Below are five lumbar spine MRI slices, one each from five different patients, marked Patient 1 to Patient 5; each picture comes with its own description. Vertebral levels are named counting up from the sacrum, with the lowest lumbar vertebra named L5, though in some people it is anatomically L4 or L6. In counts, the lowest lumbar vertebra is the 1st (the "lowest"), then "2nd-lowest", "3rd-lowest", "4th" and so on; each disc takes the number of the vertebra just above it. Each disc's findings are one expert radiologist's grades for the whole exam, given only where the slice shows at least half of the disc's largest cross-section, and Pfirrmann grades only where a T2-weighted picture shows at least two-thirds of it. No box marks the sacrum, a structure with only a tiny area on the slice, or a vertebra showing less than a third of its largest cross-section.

Patient 1 of 5:
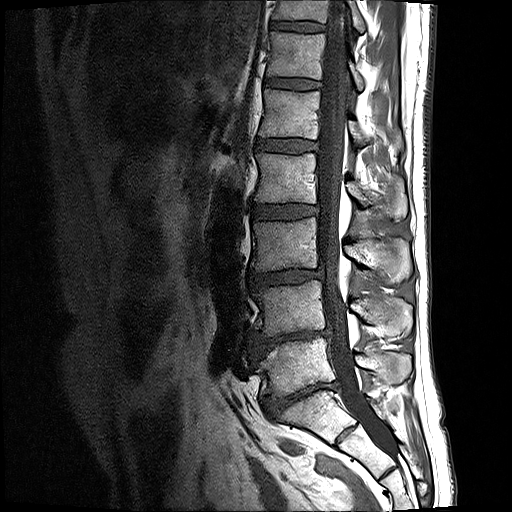
Lumbar spine MR, T1-weighted, sagittal, Slice 9/17, Sex M
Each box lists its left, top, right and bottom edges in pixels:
L2 (4th vertebra): left=255, top=152, right=407, bottom=221.
IVD L1/L2 (5th disc): left=257, top=139, right=316, bottom=152.
L1 (5th vertebra): left=259, top=89, right=400, bottom=146.
IVD L4/L5 (2nd-lowest disc): left=253, top=328, right=330, bottom=359.
IVD L5/S1 (lowest disc): left=261, top=381, right=337, bottom=418.
Spinal canal: left=317, top=0, right=394, bottom=455.
T12 (6th vertebra): left=267, top=32, right=363, bottom=90.
IVD T11/T12 (7th disc): left=271, top=21, right=324, bottom=31.
T12/L1 (6th disc): left=265, top=78, right=319, bottom=89.
T11 (7th vertebra): left=273, top=0, right=364, bottom=32.
IVD L3/L4 (3rd-lowest disc): left=248, top=269, right=323, bottom=286.
IVD L2/L3 (4th disc): left=252, top=204, right=317, bottom=219.
L3 (3rd-lowest vertebra): left=250, top=217, right=412, bottom=284.
L5 (lowest vertebra): left=258, top=336, right=411, bottom=396.
L4 (2nd-lowest vertebra): left=252, top=279, right=412, bottom=337.

Radiological gradings:
• L3/L4 (3rd-lowest disc): disc narrowing, disc bulging
• L4/L5 (2nd-lowest disc): lower-endplate change, Modic type II, disc bulging, disc narrowing
• L5/S1 (lowest disc): disc bulging, spondylolisthesis, lower-endplate change, disc narrowing
• L1/L2 (5th disc), T12/L1 (6th disc), L2/L3 (4th disc), T11/T12 (7th disc): no Modic or endplate change, herniation, narrowing, bulging or spondylolisthesis recorded

Patient 2 of 5:
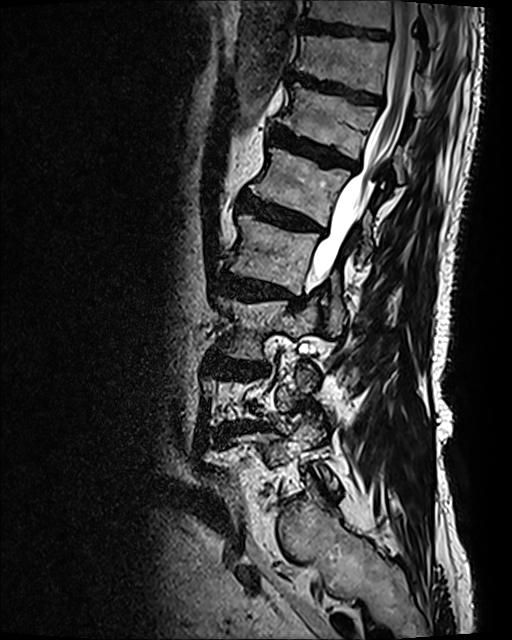 Image 512x640, Lumbar spine MR, T2 SPACE (3D), sagittal, Sagittal slice index 89
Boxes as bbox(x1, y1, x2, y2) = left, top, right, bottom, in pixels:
Structures:
• 3rd-lowest disc: bbox(214, 355, 267, 373)
• 6th disc: bbox(270, 126, 358, 169)
• 3rd-lowest vertebra: bbox(216, 297, 316, 357)
• 8th vertebra: bbox(304, 0, 438, 44)
• 7th disc: bbox(289, 71, 381, 104)
• 7th vertebra: bbox(296, 36, 427, 114)
• 2nd-lowest disc: bbox(226, 422, 260, 429)
• 5th disc: bbox(238, 196, 321, 232)
• 4th vertebra: bbox(228, 214, 345, 334)
• 4th disc: bbox(216, 272, 304, 307)
• 5th vertebra: bbox(252, 148, 373, 265)
• thecal sac / spinal canal: bbox(310, 1, 416, 282)
• 6th vertebra: bbox(276, 83, 405, 182)
• 8th disc: bbox(300, 22, 390, 39)

Radiological gradings:
• 6th disc: Pfirrmann grade 4, disc bulging, Modic type II, lower-endplate change, upper-endplate change
• 4th disc: Pfirrmann grade 4, disc bulging, lower-endplate change, upper-endplate change, disc narrowing, Modic type I
• 8th disc: Pfirrmann grade 3
• 5th disc: Pfirrmann grade 4, disc bulging, upper-endplate change, Modic type II, lower-endplate change
• 7th disc: Pfirrmann grade 4, disc bulging, upper-endplate change, lower-endplate change

Patient 3 of 5:
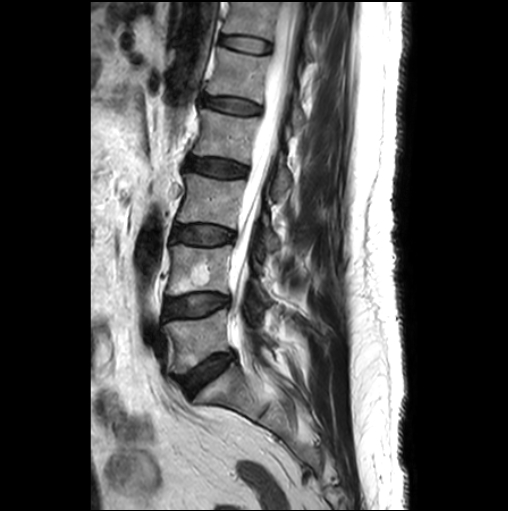

Slice 16/26; T2-weighted sagittal MRI of the lumbar spine

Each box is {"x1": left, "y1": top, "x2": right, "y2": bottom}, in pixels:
Segmented structures:
* L1: {"x1": 207, "y1": 47, "x2": 305, "y2": 131}
* L3: {"x1": 177, "y1": 173, "x2": 279, "y2": 250}
* spinal canal: {"x1": 231, "y1": 1, "x2": 304, "y2": 347}
* L2/L3: {"x1": 186, "y1": 157, "x2": 246, "y2": 176}
* disc T12/L1: {"x1": 221, "y1": 36, "x2": 270, "y2": 52}
* T12: {"x1": 224, "y1": 2, "x2": 312, "y2": 60}
* disc L4/L5: {"x1": 165, "y1": 294, "x2": 228, "y2": 317}
* disc L1/L2: {"x1": 203, "y1": 97, "x2": 260, "y2": 113}
* L5 vertebra: {"x1": 163, "y1": 309, "x2": 272, "y2": 373}
* L3/L4: {"x1": 172, "y1": 225, "x2": 233, "y2": 244}
* L4: {"x1": 167, "y1": 244, "x2": 270, "y2": 303}
* L2 vertebra: {"x1": 193, "y1": 107, "x2": 291, "y2": 198}
* disc L5/S1: {"x1": 179, "y1": 353, "x2": 234, "y2": 396}

Degenerative findings by level:
  L3/L4: Pfirrmann grade 2
  L4/L5: Pfirrmann grade 2, Modic type II
  L2/L3: Pfirrmann grade 3
  T12/L1: Pfirrmann grade 1
  L1/L2: Pfirrmann grade 2
  L5/S1: Pfirrmann grade 3, disc bulging, Modic type II

Patient 4 of 5:
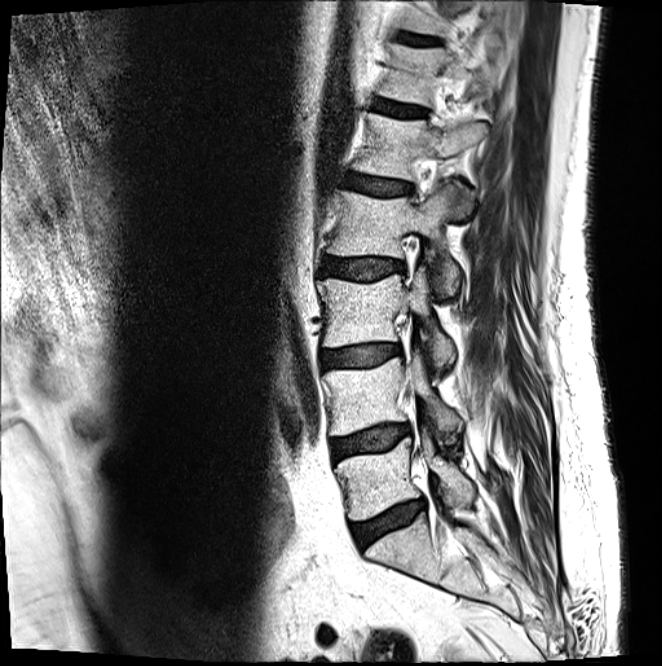 Slice spacing 3.3 mm. Lumbar spine MR, T2-weighted, sagittal.
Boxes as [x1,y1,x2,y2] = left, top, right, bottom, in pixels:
{"intervertebral disc L4/L5": "[332,424,410,459]", "intervertebral disc T12/L1": "[374,99,425,116]", "L5": "[336,429,475,520]", "L3 vertebra": "[318,267,454,369]", "T11/T12": "[402,33,435,44]", "L4 vertebra": "[323,350,462,444]", "L1/L2": "[345,173,410,194]", "T12": "[379,43,496,106]", "L1": "[353,112,488,217]", "L3/L4": "[321,344,400,369]", "intervertebral disc L5/S1": "[352,499,425,547]", "intervertebral disc L2/L3": "[322,257,404,278]", "L2 vertebra": "[327,182,468,297]"}

Per-level radiological findings:
• L3/L4: Pfirrmann grade 2, disc bulging, Modic type II
• L2/L3: Pfirrmann grade 3, disc bulging
• L5/S1: Pfirrmann grade 3, disc narrowing, Modic type II, disc bulging
• L4/L5: Pfirrmann grade 2, Modic type II, disc bulging
• L1/L2: Pfirrmann grade 3, disc bulging
• T12/L1: no Modic or endplate change, herniation, narrowing, bulging or spondylolisthesis recorded

Patient 5 of 5:
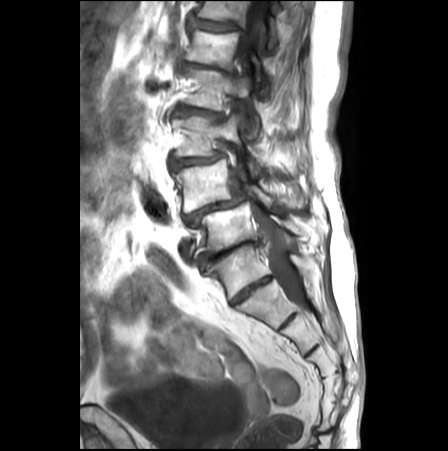 Slice 17 of 26. Sex F. T1-weighted sagittal MRI of the lumbar spine.

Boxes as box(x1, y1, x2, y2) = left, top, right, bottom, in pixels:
Annotations:
- IVD L5/S1 at box(198, 240, 260, 266)
- L1/L2 at box(182, 61, 235, 75)
- L3 at box(173, 114, 283, 175)
- IVD L2/L3 at box(173, 105, 224, 119)
- thecal sac / spinal canal at box(236, 0, 303, 305)
- T12 vertebra at box(196, 1, 278, 47)
- L4 at box(173, 158, 303, 212)
- L2 vertebra at box(182, 66, 258, 137)
- IVD T12/L1 at box(188, 13, 244, 33)
- IVD L4/L5 at box(184, 189, 246, 227)
- L5 vertebra at box(200, 202, 313, 252)
- L3/L4 at box(170, 154, 222, 171)
- L1 vertebra at box(186, 29, 267, 97)

Degenerative findings by level:
  L1/L2: disc bulging, disc narrowing, lower-endplate change
  L2/L3: lower-endplate change, disc bulging, upper-endplate change, disc narrowing, spondylolisthesis, Modic type II
  T12/L1: upper-endplate change, lower-endplate change, disc bulging
  L3/L4: spondylolisthesis, disc bulging, Modic type II, disc narrowing, upper-endplate change, lower-endplate change
  L5/S1: disc bulging, disc narrowing, upper-endplate change, Modic type II, lower-endplate change, disc herniation
  L4/L5: lower-endplate change, disc narrowing, spondylolisthesis, Modic type II, disc bulging, upper-endplate change, disc herniation